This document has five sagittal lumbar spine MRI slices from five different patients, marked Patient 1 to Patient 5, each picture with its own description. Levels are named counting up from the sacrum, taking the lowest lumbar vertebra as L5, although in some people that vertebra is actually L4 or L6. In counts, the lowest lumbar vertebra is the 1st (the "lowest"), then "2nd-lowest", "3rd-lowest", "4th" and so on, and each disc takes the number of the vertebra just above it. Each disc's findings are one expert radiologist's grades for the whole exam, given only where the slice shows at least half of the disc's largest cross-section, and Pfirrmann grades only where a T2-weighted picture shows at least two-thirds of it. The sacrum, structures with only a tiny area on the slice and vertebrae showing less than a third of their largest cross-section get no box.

Patient 1 of 5:
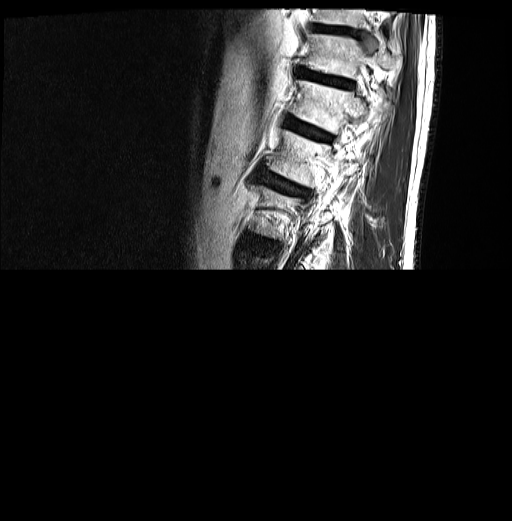 Slice 4 of 30; Sagittal T2-weighted lumbar spine MRI
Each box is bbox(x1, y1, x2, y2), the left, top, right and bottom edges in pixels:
T11: bbox(303, 34, 401, 78).
L1 vertebra: bbox(267, 131, 359, 186).
IVD T12/L1: bbox(285, 116, 331, 141).
T10/T11: bbox(314, 24, 356, 34).
L1/L2: bbox(258, 172, 304, 195).
IVD T11/T12: bbox(297, 68, 352, 87).
T12: bbox(290, 79, 386, 132).

Degenerative findings by level:
- L1/L2: Modic type II, disc bulging, lower-endplate change, upper-endplate change
- T11/T12: Pfirrmann grade 4, lower-endplate change, disc bulging, upper-endplate change
- T12/L1: disc bulging, Modic type II, upper-endplate change, lower-endplate change

Patient 2 of 5:
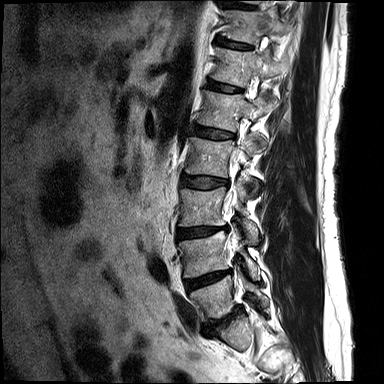 MRI lumbar spine (T2-weighted), sagittal plane
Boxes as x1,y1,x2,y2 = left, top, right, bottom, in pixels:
{"intervertebral disc L2/L3": "182,176,228,188", "L2": "186,131,267,195", "T12": "210,47,280,86", "L4/L5": "185,270,230,290", "T11 vertebra": "223,10,292,43", "intervertebral disc T11/T12": "215,37,251,49", "L4": "179,224,259,279", "L3 vertebra": "179,179,258,243", "L1 vertebra": "198,90,275,131", "L1/L2": "195,126,233,139", "L5": "190,275,268,321", "intervertebral disc L5/S1": "205,307,242,332", "T12/L1": "208,81,241,92", "intervertebral disc T10/T11": "222,1,256,9", "thecal sac / spinal canal": "228,151,240,248", "intervertebral disc L3/L4": "178,225,230,238"}

Radiological gradings:
  L5/S1: upper-endplate change, Modic type II, disc bulging, disc narrowing, lower-endplate change
  L2/L3: Pfirrmann grade 2, disc bulging
  T10/T11: Pfirrmann grade 1
  L4/L5: Pfirrmann grade 3, disc narrowing, lower-endplate change, Modic type II, disc bulging, upper-endplate change
  L1/L2: Pfirrmann grade 2, disc bulging, upper-endplate change
  T11/T12: Pfirrmann grade 1
  L3/L4: Pfirrmann grade 3, lower-endplate change, upper-endplate change, disc bulging, disc narrowing
  T12/L1: Pfirrmann grade 1

Patient 3 of 5:
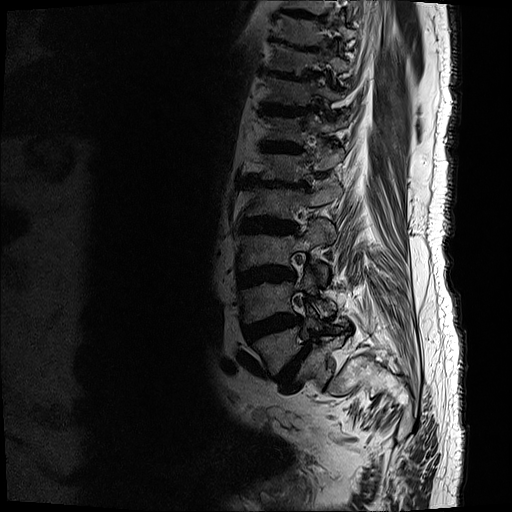

Patient sex: M. Sagittal T2-weighted lumbar spine MRI. Slice 5 of 17.
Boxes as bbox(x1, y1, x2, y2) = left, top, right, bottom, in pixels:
9th disc = bbox(269, 35, 324, 52).
5th disc = bbox(243, 174, 310, 189).
Lowest disc = bbox(276, 342, 311, 389).
7th disc = bbox(261, 102, 310, 116).
8th vertebra = bbox(271, 44, 350, 80).
8th disc = bbox(261, 66, 316, 81).
2nd-lowest vertebra = bbox(240, 268, 336, 324).
4th disc = bbox(241, 218, 298, 234).
5th vertebra = bbox(260, 146, 345, 183).
Lowest vertebra = bbox(253, 302, 343, 376).
2nd-lowest disc = bbox(243, 314, 303, 343).
3rd-lowest vertebra = bbox(238, 219, 335, 284).
6th disc = bbox(259, 141, 304, 154).
7th vertebra = bbox(264, 74, 347, 105).
6th vertebra = bbox(265, 113, 350, 145).
3rd-lowest disc = bbox(239, 266, 295, 289).
4th vertebra = bbox(247, 180, 342, 221).

Expert MSK radiologist gradings (per disc):
  lowest disc: Pfirrmann grade 5, disc bulging, upper-endplate change, spondylolisthesis, lower-endplate change, Modic type II, disc narrowing
  8th disc: Modic type II, disc narrowing, upper-endplate change, disc bulging, lower-endplate change
  7th disc: Pfirrmann grade 5, lower-endplate change, upper-endplate change, disc bulging, disc narrowing, Modic type II
  3rd-lowest disc: Pfirrmann grade 5, Modic type II, upper-endplate change, lower-endplate change, disc narrowing, disc bulging
  2nd-lowest disc: Pfirrmann grade 5, upper-endplate change, disc bulging, disc narrowing, Modic type II, lower-endplate change
  4th disc: Pfirrmann grade 5, lower-endplate change, upper-endplate change, disc narrowing, Modic type II, disc bulging
  6th disc: Pfirrmann grade 5, lower-endplate change, Modic type II, disc narrowing, disc bulging, upper-endplate change
  5th disc: Pfirrmann grade 5, upper-endplate change, lower-endplate change, disc narrowing, disc bulging, Modic type II

Patient 4 of 5:
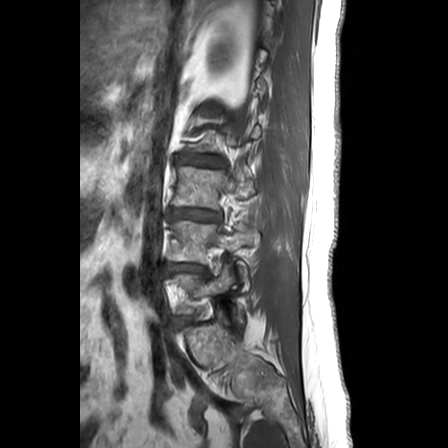
Lumbar spine MR, T1-weighted, sagittal; Slice 6/24

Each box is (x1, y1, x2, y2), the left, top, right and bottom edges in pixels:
{"L4 (2nd-lowest vertebra)": "(169, 221, 259, 281)", "L5 (lowest vertebra)": "(169, 264, 234, 312)", "L3/L4 (3rd-lowest disc)": "(170, 208, 220, 221)", "L2/L3 (4th disc)": "(177, 155, 222, 166)", "intervertebral disc L4/L5 (2nd-lowest disc)": "(165, 262, 206, 274)", "L3 (3rd-lowest vertebra)": "(172, 166, 255, 208)"}

Degenerative findings by level:
• L4/L5 (2nd-lowest disc): disc bulging, lower-endplate change, Modic type II, upper-endplate change
• L2/L3 (4th disc): lower-endplate change, Modic type II, disc narrowing, disc bulging, upper-endplate change
• L3/L4 (3rd-lowest disc): disc narrowing, disc bulging, lower-endplate change, upper-endplate change, Modic type II

Patient 5 of 5:
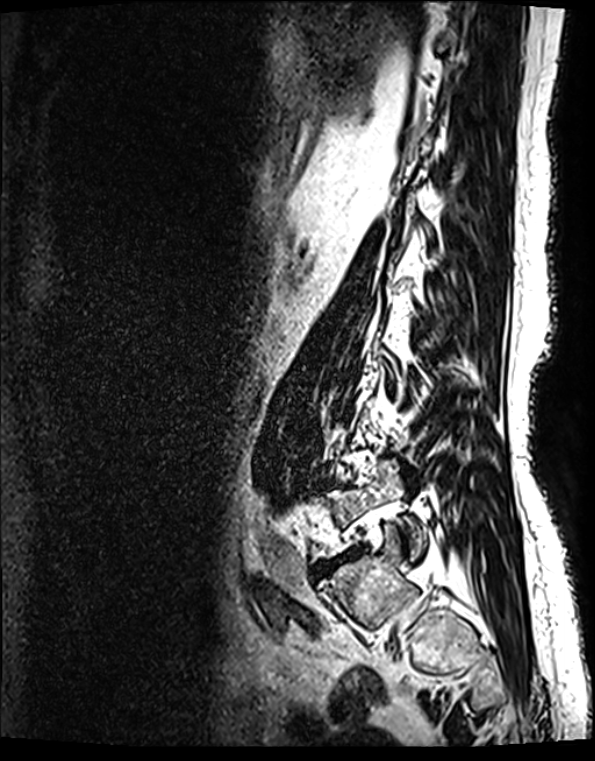

MRI lumbar spine (T2 SPACE (3D)), sagittal plane; Image 595x761; Patient sex: F; Field of view 240x307 mm
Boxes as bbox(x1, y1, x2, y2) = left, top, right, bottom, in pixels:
* L5 vertebra: bbox(320, 461, 424, 558)
* IVD L5/S1: bbox(321, 549, 359, 572)